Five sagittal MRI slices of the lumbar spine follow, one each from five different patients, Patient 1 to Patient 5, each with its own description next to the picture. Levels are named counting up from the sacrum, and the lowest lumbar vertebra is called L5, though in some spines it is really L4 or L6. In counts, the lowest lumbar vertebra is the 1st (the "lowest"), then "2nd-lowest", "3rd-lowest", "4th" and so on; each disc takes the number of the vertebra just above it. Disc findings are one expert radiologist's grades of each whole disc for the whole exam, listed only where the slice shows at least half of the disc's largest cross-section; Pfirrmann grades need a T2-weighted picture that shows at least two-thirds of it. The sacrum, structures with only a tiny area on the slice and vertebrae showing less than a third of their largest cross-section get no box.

Patient 1 of 5:
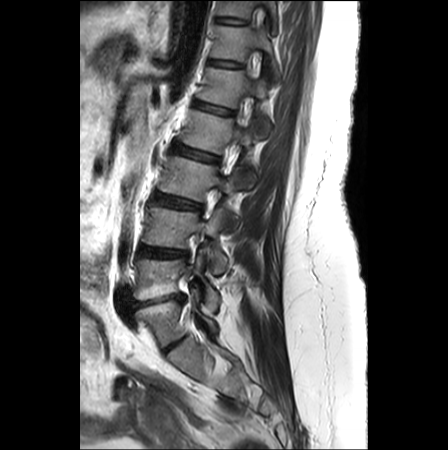 T2-weighted sagittal MRI of the lumbar spine; Sex F; Image 448x450
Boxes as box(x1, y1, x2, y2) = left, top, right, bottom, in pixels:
L4 vertebra: box(142, 206, 227, 273) | L3: box(159, 156, 239, 228) | L5/S1: box(131, 293, 184, 309) | L5 vertebra: box(133, 250, 220, 313) | L2 vertebra: box(180, 109, 255, 184) | L1/L2: box(194, 100, 233, 115) | T12: box(211, 25, 279, 76) | L1 vertebra: box(196, 68, 269, 130) | L3/L4: box(153, 193, 201, 210) | L2/L3: box(172, 143, 218, 162) | disc L4/L5: box(138, 244, 188, 258) | disc T11/T12: box(216, 17, 248, 23) | T12/L1: box(210, 60, 242, 68) | T11 vertebra: box(216, 0, 277, 26)

Radiological gradings:
- L4/L5: disc herniation, disc bulging
- T12/L1: Pfirrmann grade 1
- L5/S1: Pfirrmann grade 5, Modic type II, disc narrowing, disc bulging, spondylolisthesis
- L3/L4: Pfirrmann grade 3, Modic type II, disc bulging
- T11/T12: Pfirrmann grade 1
- L1/L2: Pfirrmann grade 2, upper-endplate change, lower-endplate change
- L2/L3: Pfirrmann grade 2, upper-endplate change, lower-endplate change

Patient 2 of 5:
Slice 79 of 120; Lumbar spine MR, T2 SPACE (3D), sagittal 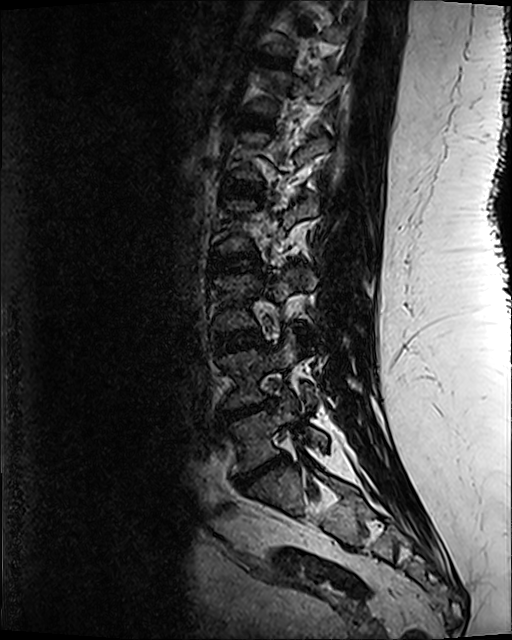 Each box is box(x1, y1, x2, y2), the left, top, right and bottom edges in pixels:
L3 vertebra: box(214, 271, 301, 328).
IVD L2/L3: box(209, 253, 259, 273).
T12 vertebra: box(249, 69, 344, 113).
L5 vertebra: box(230, 398, 327, 471).
IVD T12/L1: box(232, 111, 272, 128).
L4: box(219, 335, 314, 405).
L3/L4: box(215, 331, 260, 352).
L4/L5: box(221, 399, 275, 420).
L1/L2: box(224, 181, 261, 196).
T11/T12: box(260, 57, 288, 65).
L5/S1: box(234, 456, 286, 488).

Radiological gradings:
• L2/L3: Pfirrmann grade 3, upper-endplate change, lower-endplate change
• T12/L1: Pfirrmann grade 3
• L1/L2: lower-endplate change
• L5/S1: Modic type II, disc herniation, lower-endplate change, upper-endplate change, disc narrowing
• L3/L4: Pfirrmann grade 3

Patient 3 of 5:
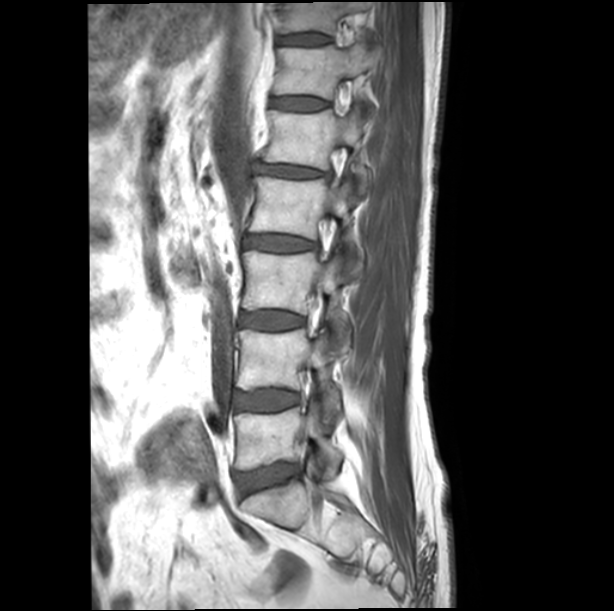 Sex M | Slice 7 of 19 | MRI lumbar spine (T1-weighted), sagittal plane | Field of view 310x308 mm

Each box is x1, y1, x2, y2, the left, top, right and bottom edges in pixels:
4th vertebra: 250, 177, 364, 258
lowest disc: 235, 465, 299, 495
2nd-lowest disc: 234, 391, 298, 410
6th disc: 273, 97, 326, 110
2nd-lowest vertebra: 237, 329, 340, 409
6th vertebra: 275, 44, 377, 98
7th vertebra: 281, 2, 365, 33
3rd-lowest disc: 240, 311, 304, 330
5th vertebra: 263, 109, 371, 191
5th disc: 253, 164, 326, 177
7th disc: 280, 34, 328, 44
lowest vertebra: 235, 402, 342, 475
4th disc: 245, 235, 317, 251
3rd-lowest vertebra: 243, 249, 361, 344

Radiological gradings:
- 5th disc: disc narrowing, disc bulging
- lowest disc: disc bulging
- 7th disc, 6th disc, 4th disc, 2nd-lowest disc, 3rd-lowest disc: no herniation, bulging, narrowing, spondylolisthesis, endplate or Modic change recorded

Patient 4 of 5:
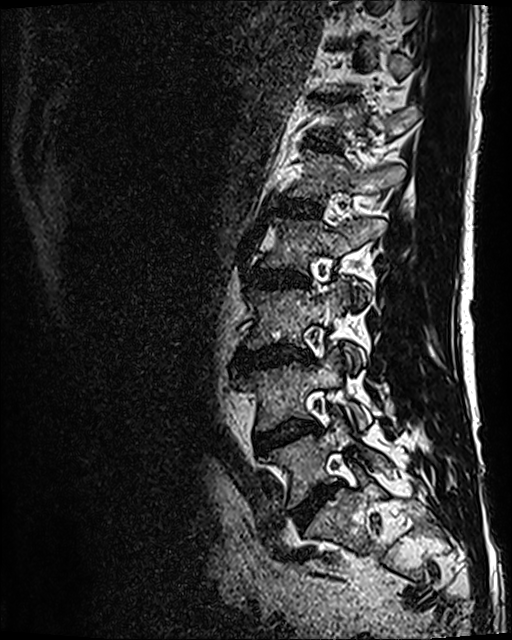

T2 SPACE (3D) sagittal MRI of the lumbar spine

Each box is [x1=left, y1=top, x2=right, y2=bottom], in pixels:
L2 vertebra = [x1=260, y1=217, x2=385, y2=307].
Disc L4/L5 = [x1=255, y1=421, x2=319, y2=452].
L5 = [x1=264, y1=416, x2=385, y2=508].
Disc L1/L2 = [x1=274, y1=200, x2=319, y2=216].
L3 vertebra = [x1=245, y1=279, x2=362, y2=370].
L4 vertebra = [x1=234, y1=347, x2=367, y2=430].
Disc L5/S1 = [x1=292, y1=484, x2=336, y2=526].
Disc L2/L3 = [x1=250, y1=270, x2=309, y2=290].
T12/L1 = [x1=316, y1=144, x2=338, y2=151].
L1 = [x1=290, y1=150, x2=404, y2=201].
T12 vertebra = [x1=329, y1=102, x2=419, y2=139].
T11/T12 = [x1=320, y1=97, x2=340, y2=101].
L3/L4 = [x1=235, y1=346, x2=313, y2=370].

Expert MSK radiologist gradings (per disc):
  L3/L4: Pfirrmann grade 4, disc bulging, Modic type II, disc narrowing
  L2/L3: disc bulging, Modic type II
  L4/L5: Pfirrmann grade 3, disc bulging, Modic type II
  L5/S1: disc bulging, disc narrowing
  L1/L2: no Modic or endplate change, herniation, narrowing, bulging or spondylolisthesis recorded

Patient 5 of 5:
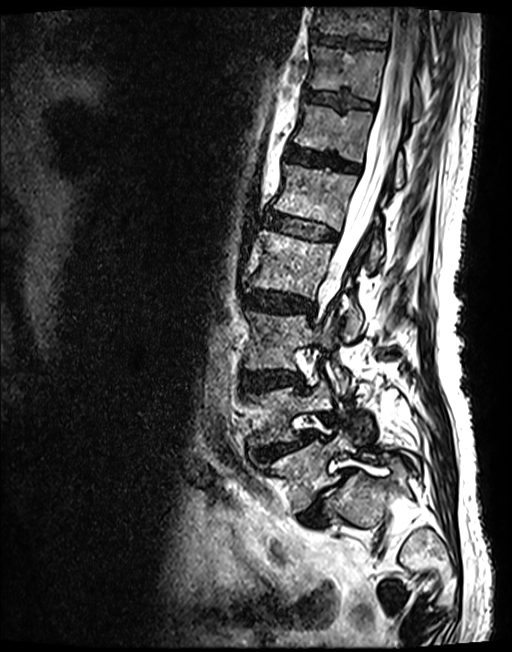 T2 SPACE (3D) sagittal MRI of the lumbar spine. Sagittal slice index 55.
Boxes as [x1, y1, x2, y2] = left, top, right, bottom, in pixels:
Structures:
- L5 vertebra: [259, 431, 418, 511]
- L4/L5: [255, 430, 315, 460]
- T10 vertebra: [314, 7, 428, 49]
- intervertebral disc T10/T11: [314, 34, 384, 48]
- intervertebral disc T12/L1: [287, 146, 358, 172]
- L4 vertebra: [247, 380, 331, 447]
- spinal canal: [324, 7, 420, 296]
- L3/L4: [240, 370, 302, 392]
- T11 vertebra: [308, 47, 423, 118]
- T11/T12: [305, 90, 372, 108]
- L5/S1: [299, 468, 351, 525]
- T12 vertebra: [294, 103, 405, 186]
- L3: [244, 310, 351, 393]
- L2/L3: [245, 291, 314, 313]
- L1 vertebra: [273, 164, 383, 267]
- L1/L2: [266, 213, 334, 239]
- L2 vertebra: [251, 230, 363, 341]

Degenerative findings by level:
- L2/L3: Pfirrmann grade 3, disc bulging
- L1/L2: Pfirrmann grade 3
- L5/S1: disc herniation, spondylolisthesis, Modic type II, disc narrowing
- T11/T12: Pfirrmann grade 3
- L3/L4: lower-endplate change, disc bulging, upper-endplate change
- T10/T11: Pfirrmann grade 3
- T12/L1: Pfirrmann grade 3